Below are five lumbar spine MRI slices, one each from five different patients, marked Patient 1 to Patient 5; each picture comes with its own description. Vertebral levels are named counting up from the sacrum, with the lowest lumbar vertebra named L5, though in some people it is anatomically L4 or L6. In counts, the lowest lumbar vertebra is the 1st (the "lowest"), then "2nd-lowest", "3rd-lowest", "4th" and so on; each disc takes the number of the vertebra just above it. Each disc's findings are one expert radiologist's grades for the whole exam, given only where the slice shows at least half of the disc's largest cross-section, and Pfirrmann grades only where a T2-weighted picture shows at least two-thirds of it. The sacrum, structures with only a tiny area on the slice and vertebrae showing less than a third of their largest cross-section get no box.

Patient 1 of 5:
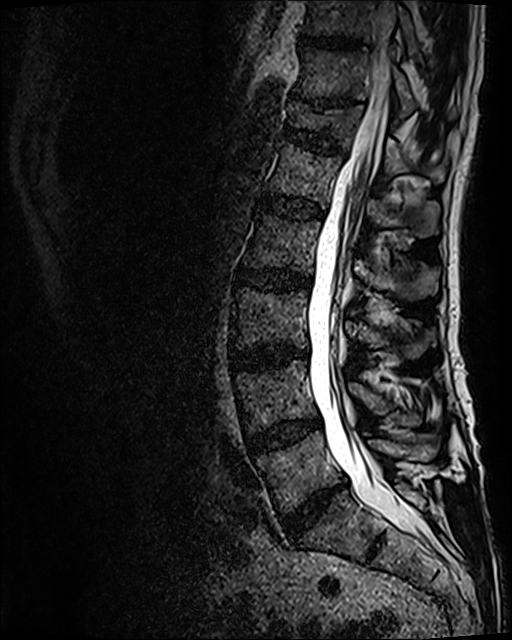 MRI lumbar spine (T2 SPACE (3D)), sagittal plane. Sagittal slice index 56. Sex M.
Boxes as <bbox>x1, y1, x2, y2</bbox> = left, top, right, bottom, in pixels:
L5 at <bbox>256, 431, 439, 512</bbox>, T11 at <bbox>294, 47, 457, 117</bbox>, L2/L3 at <bbox>237, 268, 310, 290</bbox>, L1/L2 at <bbox>259, 193, 322, 218</bbox>, T10/T11 at <bbox>300, 36, 360, 48</bbox>, L3/L4 at <bbox>231, 347, 307, 370</bbox>, T10 vertebra at <bbox>304, 0, 418, 54</bbox>, L3 vertebra at <bbox>232, 287, 435, 357</bbox>, thecal sac / spinal canal at <bbox>307, 0, 416, 532</bbox>, L5/S1 at <bbox>281, 485, 342, 541</bbox>, T12/L1 at <bbox>283, 126, 345, 154</bbox>, T12 at <bbox>287, 101, 448, 182</bbox>, L4 at <bbox>235, 359, 421, 432</bbox>, L2 vertebra at <bbox>244, 213, 439, 300</bbox>, L1 vertebra at <bbox>266, 140, 440, 237</bbox>, L4/L5 at <bbox>247, 421, 320, 450</bbox>, disc T11/T12 at <bbox>314, 99, 352, 109</bbox>.

Expert MSK radiologist gradings (per disc):
- L2/L3: Pfirrmann grade 3, Modic type II, disc bulging
- L4/L5: Pfirrmann grade 3, Modic type II, disc bulging
- L3/L4: Pfirrmann grade 4, Modic type II, disc narrowing, disc bulging
- T10/T11: Pfirrmann grade 3
- L1/L2: Pfirrmann grade 3
- T11/T12: upper-endplate change, disc narrowing, lower-endplate change
- T12/L1: Pfirrmann grade 3, upper-endplate change, lower-endplate change
- L5/S1: Pfirrmann grade 4, disc narrowing, disc bulging

Patient 2 of 5:
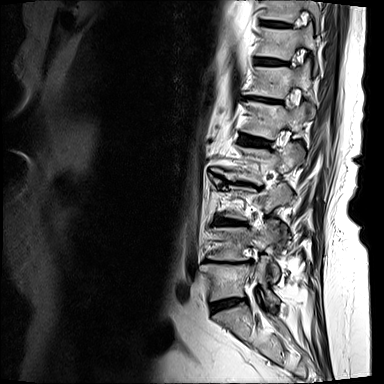

T2-weighted sagittal MRI of the lumbar spine

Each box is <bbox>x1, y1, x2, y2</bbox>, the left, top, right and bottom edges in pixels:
Disc T12/L1 at <bbox>244, 97, 279, 102</bbox>, T10 at <bbox>262, 0, 320, 24</bbox>, T12 vertebra at <bbox>246, 61, 313, 98</bbox>, L5/S1 at <bbox>211, 298, 246, 311</bbox>, L1 vertebra at <bbox>244, 101, 314, 139</bbox>, L4/L5 at <bbox>205, 260, 249, 263</bbox>, T11/T12 at <bbox>258, 58, 285, 64</bbox>, L3/L4 at <bbox>217, 219, 241, 224</bbox>, disc T10/T11 at <bbox>263, 21, 287, 25</bbox>, L1/L2 at <bbox>241, 135, 269, 145</bbox>, L5 at <bbox>201, 257, 279, 306</bbox>, T11 vertebra at <bbox>257, 23, 317, 68</bbox>, disc L2/L3 at <bbox>222, 178, 249, 183</bbox>, L2 vertebra at <bbox>216, 145, 304, 183</bbox>, L4 at <bbox>208, 221, 279, 280</bbox>.

Expert MSK radiologist gradings (per disc):
• L1/L2: upper-endplate change, lower-endplate change, disc bulging
• L5/S1: disc bulging, Modic type II, disc narrowing, lower-endplate change, upper-endplate change
• T12/L1: Pfirrmann grade 5, disc bulging, upper-endplate change, disc narrowing, Modic type II, lower-endplate change
• T11/T12: no herniation, bulging, narrowing, spondylolisthesis, endplate or Modic change recorded

Patient 3 of 5:
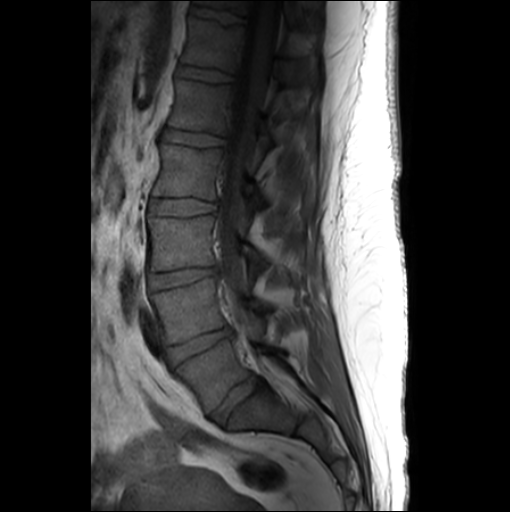 Slice 15 of 26. Lumbar spine MR, T1-weighted, sagittal.
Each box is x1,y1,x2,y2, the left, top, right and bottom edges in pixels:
{"L3 vertebra": "148,216,269,270", "L2 vertebra": "152,144,266,205", "IVD L2/L3": "148,198,214,215", "IVD T12/L1": "176,64,231,81", "L1": "167,77,271,148", "thecal sac / spinal canal": "217,0,278,327", "L5/S1": "209,375,262,424", "IVD L4/L5": "166,326,231,365", "IVD L3/L4": "148,266,216,289", "T11 vertebra": "196,0,303,27", "L4": "150,278,269,343", "IVD T11/T12": "190,4,245,23", "L5 vertebra": "175,339,275,413", "T12": "181,16,291,81", "IVD L1/L2": "161,128,223,146"}

Degenerative findings by level:
• L5/S1: disc bulging
• L3/L4: disc narrowing, disc bulging
• L4/L5: disc bulging, disc narrowing
• T11/T12, T12/L1, L2/L3, L1/L2: no Modic or endplate change, herniation, narrowing, bulging or spondylolisthesis recorded

Patient 4 of 5:
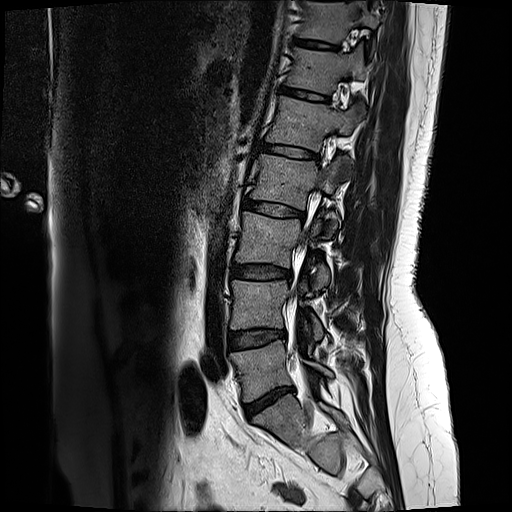

Lumbar spine MR, T2-weighted, sagittal

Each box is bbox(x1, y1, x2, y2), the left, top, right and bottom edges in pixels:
{"4th vertebra": "bbox(251, 154, 351, 209)", "lowest disc": "bbox(246, 388, 292, 416)", "lowest vertebra": "bbox(233, 340, 332, 399)", "6th disc": "bbox(283, 87, 329, 104)", "6th vertebra": "bbox(288, 49, 366, 93)", "3rd-lowest disc": "bbox(231, 263, 285, 278)", "7th vertebra": "bbox(301, 2, 377, 42)", "5th vertebra": "bbox(268, 96, 365, 149)", "3rd-lowest vertebra": "bbox(236, 211, 329, 291)", "7th disc": "bbox(295, 41, 339, 50)", "5th disc": "bbox(262, 145, 318, 160)", "2nd-lowest vertebra": "bbox(232, 281, 323, 339)", "4th disc": "bbox(244, 199, 304, 218)", "2nd-lowest disc": "bbox(230, 330, 285, 347)"}

Per-level radiological findings:
• 4th disc: Pfirrmann grade 4, upper-endplate change, lower-endplate change, disc bulging
• 7th disc: Pfirrmann grade 2
• 2nd-lowest disc: Pfirrmann grade 2, disc bulging
• 6th disc: Pfirrmann grade 2, upper-endplate change, lower-endplate change
• 3rd-lowest disc: Pfirrmann grade 2, disc bulging
• 5th disc: Pfirrmann grade 2, lower-endplate change, upper-endplate change
• lowest disc: Pfirrmann grade 1, disc bulging, disc narrowing, disc herniation

Patient 5 of 5:
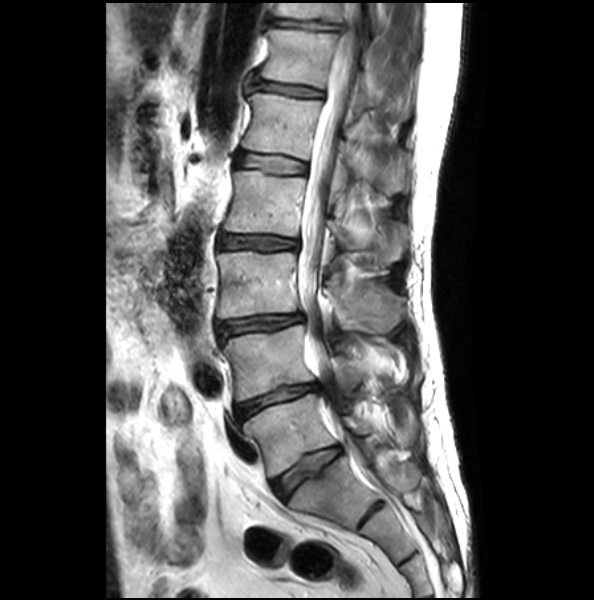 594x600 px. Slice 16 of 28. Lumbar spine MR, T2-weighted, sagittal.
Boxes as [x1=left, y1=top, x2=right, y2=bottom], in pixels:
L2 (4th vertebra) = [x1=224, y1=171, x2=406, y2=265].
Intervertebral disc L3/L4 (3rd-lowest disc) = [x1=216, y1=314, x2=303, y2=337].
Intervertebral disc T11/T12 (7th disc) = [x1=270, y1=19, x2=342, y2=31].
Intervertebral disc L1/L2 (5th disc) = [x1=237, y1=152, x2=305, y2=174].
T12/L1 (6th disc) = [x1=256, y1=82, x2=321, y2=97].
T12 (6th vertebra) = [x1=260, y1=29, x2=410, y2=121].
L3 (3rd-lowest vertebra) = [x1=217, y1=251, x2=405, y2=332].
L1 (5th vertebra) = [x1=243, y1=94, x2=407, y2=193].
Intervertebral disc L4/L5 (2nd-lowest disc) = [x1=235, y1=383, x2=319, y2=421].
L4 (2nd-lowest vertebra) = [x1=221, y1=325, x2=365, y2=401].
Spinal canal = [x1=297, y1=3, x2=361, y2=433].
Intervertebral disc L2/L3 (4th disc) = [x1=219, y1=235, x2=299, y2=251].
L5/S1 (lowest disc) = [x1=270, y1=445, x2=341, y2=500].
L5 (lowest vertebra) = [x1=243, y1=393, x2=415, y2=477].
T11 (7th vertebra) = [x1=273, y1=3, x2=379, y2=30].

Expert MSK radiologist gradings (per disc):
  L4/L5 (2nd-lowest disc): Pfirrmann grade 2, lower-endplate change, disc narrowing, disc bulging
  T12/L1 (6th disc): Pfirrmann grade 2, disc bulging, upper-endplate change
  L1/L2 (5th disc): Pfirrmann grade 1, upper-endplate change
  L3/L4 (3rd-lowest disc): Pfirrmann grade 2, disc bulging, disc narrowing
  L5/S1 (lowest disc): Pfirrmann grade 1, lower-endplate change, upper-endplate change
  T11/T12 (7th disc): Pfirrmann grade 1, lower-endplate change, disc bulging, upper-endplate change
  L2/L3 (4th disc): Pfirrmann grade 2, disc narrowing, disc bulging